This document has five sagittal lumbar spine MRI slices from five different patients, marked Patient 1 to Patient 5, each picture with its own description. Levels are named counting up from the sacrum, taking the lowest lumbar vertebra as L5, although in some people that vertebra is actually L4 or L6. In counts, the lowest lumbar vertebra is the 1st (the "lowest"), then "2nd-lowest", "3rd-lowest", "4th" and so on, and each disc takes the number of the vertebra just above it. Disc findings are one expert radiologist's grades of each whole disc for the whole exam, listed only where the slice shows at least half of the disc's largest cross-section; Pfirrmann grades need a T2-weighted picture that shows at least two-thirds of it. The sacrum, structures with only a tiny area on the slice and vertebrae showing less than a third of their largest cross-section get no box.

Patient 1 of 5:
T2-weighted sagittal MRI of the lumbar spine; 330x331 px 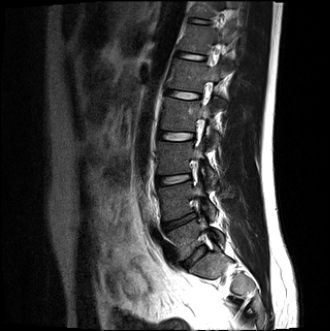

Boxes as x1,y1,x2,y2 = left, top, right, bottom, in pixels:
T11/T12 = 192,19,208,23.
Intervertebral disc L5/S1 = 185,246,205,266.
L2 vertebra = 160,98,220,144.
L1 vertebra = 169,59,227,105.
Intervertebral disc L2/L3 = 159,132,194,140.
T11 vertebra = 193,1,225,18.
L5 = 168,217,223,259.
L4/L5 = 164,213,197,230.
T12/L1 = 178,53,205,60.
L3 vertebra = 158,141,214,181.
L1/L2 = 166,90,200,98.
Intervertebral disc L3/L4 = 157,174,191,185.
T12 vertebra = 181,25,232,66.
L4 = 158,181,216,220.

Expert MSK radiologist gradings (per disc):
  L3/L4: Pfirrmann grade 2
  T12/L1: Pfirrmann grade 2
  L5/S1: disc bulging
  L2/L3: Pfirrmann grade 2
  L4/L5: disc herniation, lower-endplate change, upper-endplate change, Modic type II, disc narrowing
  L1/L2: Pfirrmann grade 2

Patient 2 of 5:
Scanner: SIEMENS Avanto_fit (1.5T); MRI lumbar spine (T2 SPACE (3D)), sagittal plane 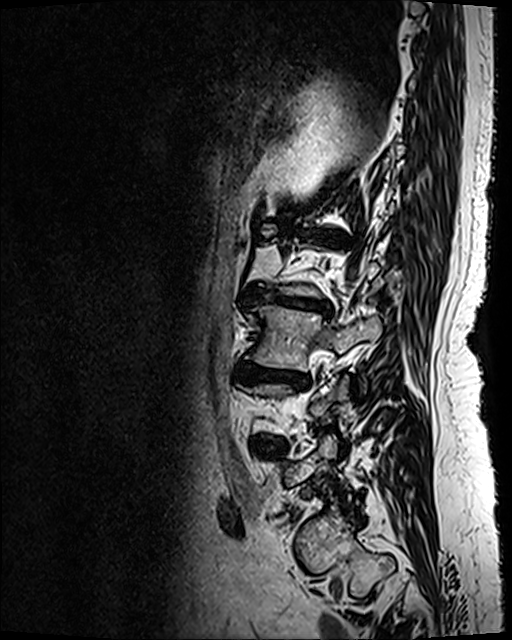 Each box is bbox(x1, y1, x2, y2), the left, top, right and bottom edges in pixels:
L3 = bbox(246, 306, 381, 370).
L3/L4 = bbox(235, 365, 306, 386).
L2/L3 = bbox(249, 288, 330, 315).
L4/L5 = bbox(256, 443, 280, 451).
IVD L1/L2 = bbox(303, 229, 335, 242).

Expert MSK radiologist gradings (per disc):
  L2/L3: Pfirrmann grade 5, Modic type II, upper-endplate change, lower-endplate change, disc narrowing, disc bulging
  L3/L4: Pfirrmann grade 5, Modic type II, lower-endplate change, disc narrowing, disc bulging, upper-endplate change

Patient 3 of 5:
Sagittal slice index 16. MRI lumbar spine (T1-weighted), sagittal plane. Image 448x448. 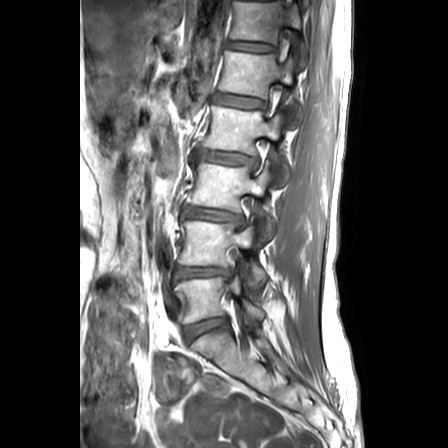 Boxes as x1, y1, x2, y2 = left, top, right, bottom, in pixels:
Segmented structures:
• L5 vertebra at 175, 269, 264, 323
• disc L5/S1 at 184, 317, 227, 342
• L1/L2 at 214, 94, 264, 108
• T12 at 230, 2, 306, 67
• L4 at 178, 221, 265, 289
• L2 at 203, 107, 289, 187
• disc L3/L4 at 182, 208, 241, 223
• disc T12/L1 at 227, 42, 273, 52
• L4/L5 at 176, 267, 229, 278
• disc L2/L3 at 195, 150, 253, 165
• L3 vertebra at 187, 163, 274, 239
• L1 vertebra at 218, 44, 300, 127

Per-level radiological findings:
  L1/L2: lower-endplate change, upper-endplate change, Modic type II
  L4/L5: disc narrowing, disc herniation, lower-endplate change, upper-endplate change
  L2/L3: disc bulging, Modic type II, lower-endplate change, upper-endplate change
  L3/L4: disc bulging, upper-endplate change, lower-endplate change
  T12/L1: Modic type II
  L5/S1: no Modic or endplate change, herniation, narrowing, bulging or spondylolisthesis recorded

Patient 4 of 5:
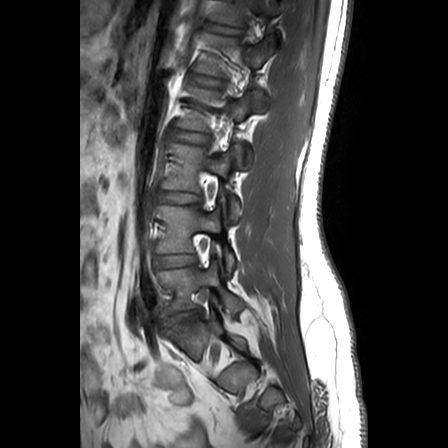

Lumbar spine MR, T1-weighted, sagittal.

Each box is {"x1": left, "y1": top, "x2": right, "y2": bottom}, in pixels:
Intervertebral disc L3/L4 at {"x1": 160, "y1": 193, "x2": 200, "y2": 202}, intervertebral disc L2/L3 at {"x1": 173, "y1": 130, "x2": 207, "y2": 143}, L3 vertebra at {"x1": 163, "y1": 144, "x2": 241, "y2": 219}, L5 at {"x1": 158, "y1": 261, "x2": 230, "y2": 316}, L5/S1 at {"x1": 165, "y1": 311, "x2": 201, "y2": 325}, T12 vertebra at {"x1": 213, "y1": 1, "x2": 277, "y2": 25}, intervertebral disc L1/L2 at {"x1": 191, "y1": 74, "x2": 217, "y2": 85}, T12/L1 at {"x1": 208, "y1": 24, "x2": 227, "y2": 30}, intervertebral disc L4/L5 at {"x1": 156, "y1": 255, "x2": 194, "y2": 267}, L4 at {"x1": 157, "y1": 206, "x2": 220, "y2": 252}.

Expert MSK radiologist gradings (per disc):
• L3/L4, L4/L5, L2/L3: no spondylolisthesis, narrowing, bulging, herniation, Modic or endplate change recorded

Patient 5 of 5:
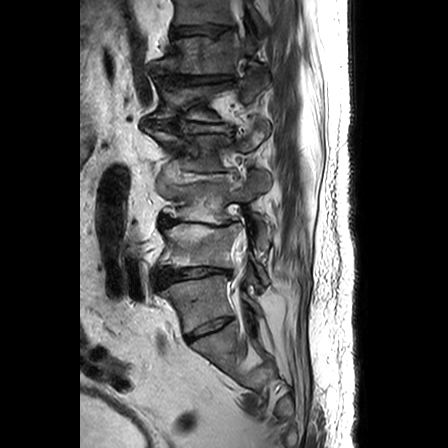 Image 448x448; Sex M; Lumbar spine MR, T2-weighted, sagittal

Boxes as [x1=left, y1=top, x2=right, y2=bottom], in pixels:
L4 (2nd-lowest vertebra): [x1=158, y1=223, x2=267, y2=282].
Intervertebral disc T11/T12 (7th disc): [x1=171, y1=25, x2=229, y2=36].
L3 (3rd-lowest vertebra): [x1=165, y1=172, x2=271, y2=250].
Intervertebral disc T12/L1 (6th disc): [x1=157, y1=71, x2=230, y2=85].
T12 (6th vertebra): [x1=158, y1=33, x2=263, y2=75].
Intervertebral disc L3/L4 (3rd-lowest disc): [x1=159, y1=216, x2=237, y2=226].
L5 (lowest vertebra): [x1=159, y1=275, x2=260, y2=332].
L2/L3 (4th disc): [x1=183, y1=173, x2=226, y2=182].
L2 (4th vertebra): [x1=151, y1=123, x2=269, y2=171].
Spinal canal: [x1=231, y1=0, x2=246, y2=290].
Intervertebral disc L1/L2 (5th disc): [x1=153, y1=120, x2=231, y2=131].
L1 (5th vertebra): [x1=154, y1=77, x2=268, y2=121].
Intervertebral disc L4/L5 (2nd-lowest disc): [x1=156, y1=268, x2=229, y2=286].
T11 (7th vertebra): [x1=174, y1=0, x2=264, y2=32].
Intervertebral disc L5/S1 (lowest disc): [x1=187, y1=317, x2=230, y2=341].

Radiological gradings:
- T11/T12 (7th disc): Pfirrmann grade 3, disc narrowing, upper-endplate change, disc bulging
- L3/L4 (3rd-lowest disc): Pfirrmann grade 5, disc herniation, disc narrowing, disc bulging, Modic type II
- L4/L5 (2nd-lowest disc): Pfirrmann grade 5, disc narrowing, disc bulging, Modic type II, disc herniation
- T12/L1 (6th disc): Pfirrmann grade 4, disc herniation, disc bulging, disc narrowing
- L1/L2 (5th disc): Pfirrmann grade 4, disc narrowing, disc bulging
- L5/S1 (lowest disc): Pfirrmann grade 4, disc narrowing
- L2/L3 (4th disc): Pfirrmann grade 4, disc narrowing, disc bulging